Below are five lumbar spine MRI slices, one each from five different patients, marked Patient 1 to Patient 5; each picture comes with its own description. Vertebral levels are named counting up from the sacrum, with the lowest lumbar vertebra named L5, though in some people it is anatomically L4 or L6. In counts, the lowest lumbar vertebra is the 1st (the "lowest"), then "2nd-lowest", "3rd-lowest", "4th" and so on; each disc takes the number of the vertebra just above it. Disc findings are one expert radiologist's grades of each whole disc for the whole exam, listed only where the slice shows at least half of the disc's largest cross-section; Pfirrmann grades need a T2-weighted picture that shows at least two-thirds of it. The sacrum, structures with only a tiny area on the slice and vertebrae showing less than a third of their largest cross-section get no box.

Patient 1 of 5:
Scanner: Philips Medical Systems Ingenia (1.5T) | Slice spacing 4.3 mm | Lumbar spine MR, T2-weighted, sagittal | 619x611 px
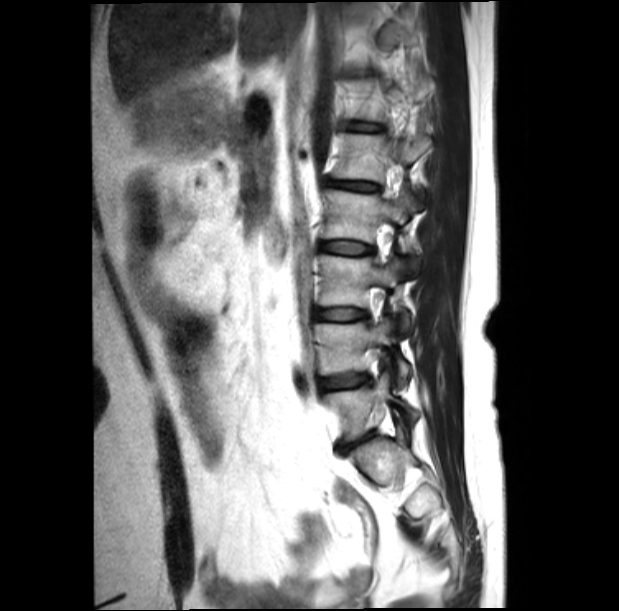

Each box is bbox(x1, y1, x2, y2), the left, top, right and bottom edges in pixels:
L2: bbox(323, 189, 420, 269).
L5 vertebra: bbox(323, 372, 419, 440).
L3: bbox(318, 256, 409, 327).
L1 vertebra: bbox(333, 133, 430, 182).
T12 vertebra: bbox(349, 80, 430, 120).
L3/L4: bbox(316, 309, 364, 320).
IVD L1/L2: bbox(326, 179, 379, 190).
IVD L2/L3: bbox(319, 241, 373, 255).
L4: bbox(314, 319, 409, 384).
IVD L4/L5: bbox(319, 376, 368, 390).
T12/L1: bbox(347, 122, 376, 131).
IVD L5/S1: bbox(339, 433, 374, 449).

Degenerative findings by level:
• L3/L4: Pfirrmann grade 2
• L2/L3: Pfirrmann grade 2
• L4/L5: disc bulging
• L1/L2: Pfirrmann grade 1, disc narrowing, disc bulging

Patient 2 of 5:
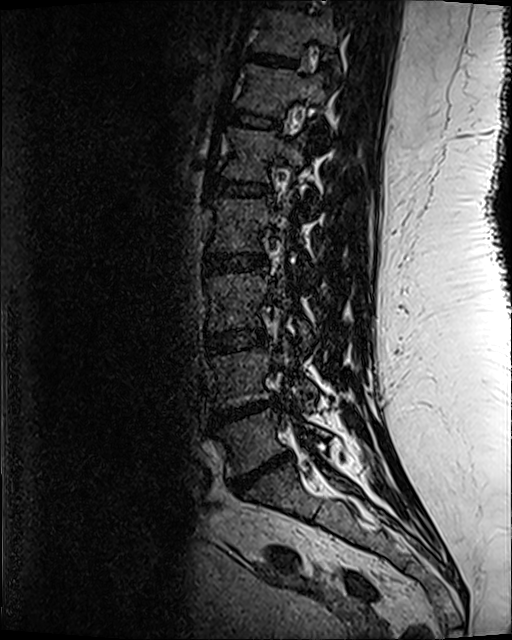 Field of view 240x300 mm, slice spacing 0.9 mm; Patient sex: F; Slice 74/120; T2 SPACE (3D) sagittal MRI of the lumbar spine
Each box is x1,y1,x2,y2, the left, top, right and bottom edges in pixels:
L4/L5 = 214,399,276,422.
Intervertebral disc L1/L2 = 211,178,269,196.
L2/L3 = 204,253,264,272.
T11 = 255,11,338,71.
T12 vertebra = 239,64,327,115.
Intervertebral disc T11/T12 = 249,53,294,64.
L1 = 223,128,305,181.
L2 vertebra = 211,191,291,251.
Intervertebral disc L5/S1 = 227,454,289,493.
L5 vertebra = 220,409,328,475.
L3/L4 = 207,331,267,351.
L4 vertebra = 213,340,316,410.
T10/T11 = 267,0,303,8.
T12/L1 = 226,108,280,128.
L3 vertebra = 208,267,310,346.

Expert MSK radiologist gradings (per disc):
  L3/L4: Pfirrmann grade 3
  T12/L1: Pfirrmann grade 3
  T11/T12: Pfirrmann grade 3, lower-endplate change
  L1/L2: Pfirrmann grade 3, lower-endplate change
  L2/L3: Pfirrmann grade 3, lower-endplate change, upper-endplate change
  L5/S1: Pfirrmann grade 5, upper-endplate change, lower-endplate change, disc narrowing, Modic type II, disc herniation

Patient 3 of 5:
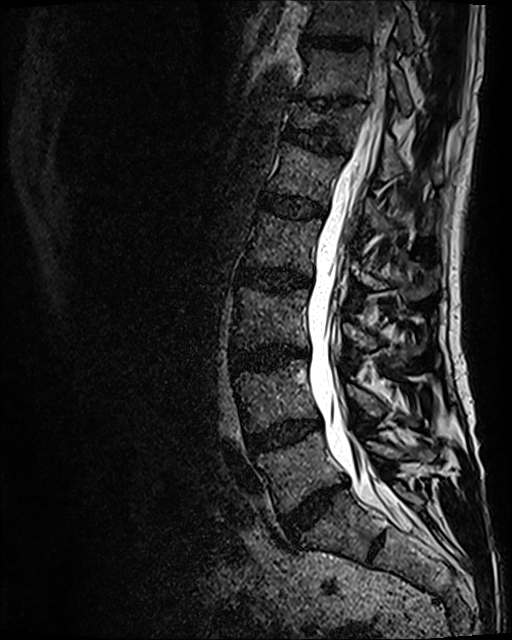 Slice 55/120; MRI lumbar spine (T2 SPACE (3D)), sagittal plane

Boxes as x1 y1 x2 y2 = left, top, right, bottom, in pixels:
{"8th disc": "302 37 360 48", "7th vertebra": "296 46 411 114", "6th vertebra": "289 102 443 181", "lowest vertebra": "257 431 434 513", "3rd-lowest disc": "231 346 307 371", "2nd-lowest vertebra": "235 359 419 432", "5th vertebra": "268 141 436 234", "6th disc": "284 128 347 153", "thecal sac / spinal canal": "307 1 412 528", "8th vertebra": "308 0 415 52", "4th disc": "238 269 311 290", "3rd-lowest vertebra": "233 287 423 354", "lowest disc": "281 484 341 537", "2nd-lowest disc": "247 421 320 449", "5th disc": "261 193 323 218", "7th disc": "316 99 352 108", "4th vertebra": "245 212 438 300"}

Radiological gradings:
• 8th disc: Pfirrmann grade 3
• lowest disc: Pfirrmann grade 4, disc bulging, disc narrowing
• 4th disc: Pfirrmann grade 3, disc bulging, Modic type II
• 2nd-lowest disc: Pfirrmann grade 3, Modic type II, disc bulging
• 6th disc: Pfirrmann grade 3, upper-endplate change, lower-endplate change
• 7th disc: disc narrowing, upper-endplate change, lower-endplate change
• 3rd-lowest disc: Pfirrmann grade 4, disc bulging, Modic type II, disc narrowing
• 5th disc: Pfirrmann grade 3

Patient 4 of 5:
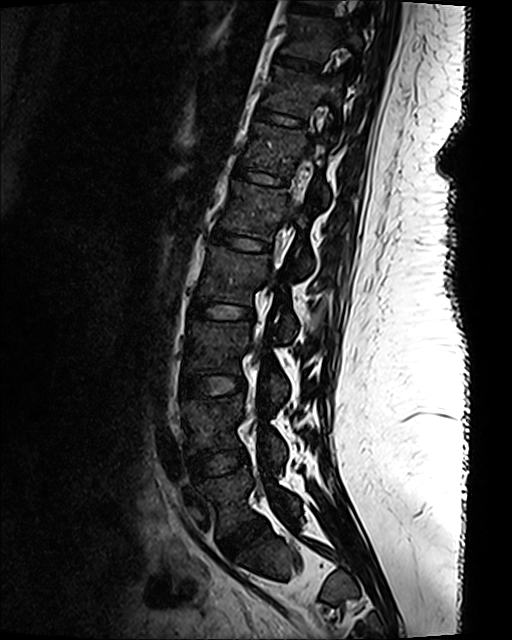 MRI lumbar spine (T2 SPACE (3D)), sagittal plane | Patient sex: F | Sagittal slice index 72
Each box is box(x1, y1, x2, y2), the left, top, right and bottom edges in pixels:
L5/S1: box(221, 517, 265, 557) | L4: box(182, 396, 286, 462) | L2 vertebra: box(197, 246, 296, 341) | L3 vertebra: box(186, 320, 288, 402) | L3/L4: box(182, 374, 245, 396) | T10: box(282, 14, 363, 68) | L1/L2: box(213, 229, 269, 250) | T12 vertebra: box(243, 122, 329, 205) | L5 vertebra: box(195, 464, 299, 534) | T11: box(265, 66, 343, 138) | disc T12/L1: box(236, 166, 286, 185) | T11/T12: box(256, 107, 304, 126) | thecal sac / spinal canal: box(260, 161, 307, 337) | disc T10/T11: box(275, 54, 319, 71) | L4/L5: box(188, 448, 247, 479) | L1 vertebra: box(221, 180, 311, 273) | disc L2/L3: box(191, 298, 252, 319)

Per-level radiological findings:
  L3/L4: Pfirrmann grade 1
  T10/T11: Pfirrmann grade 1
  L1/L2: Pfirrmann grade 1
  T12/L1: Pfirrmann grade 1
  L4/L5: Pfirrmann grade 1
  L2/L3: Pfirrmann grade 1
  T11/T12: Pfirrmann grade 1
  L5/S1: no Modic or endplate change, herniation, narrowing, bulging or spondylolisthesis recorded

Patient 5 of 5:
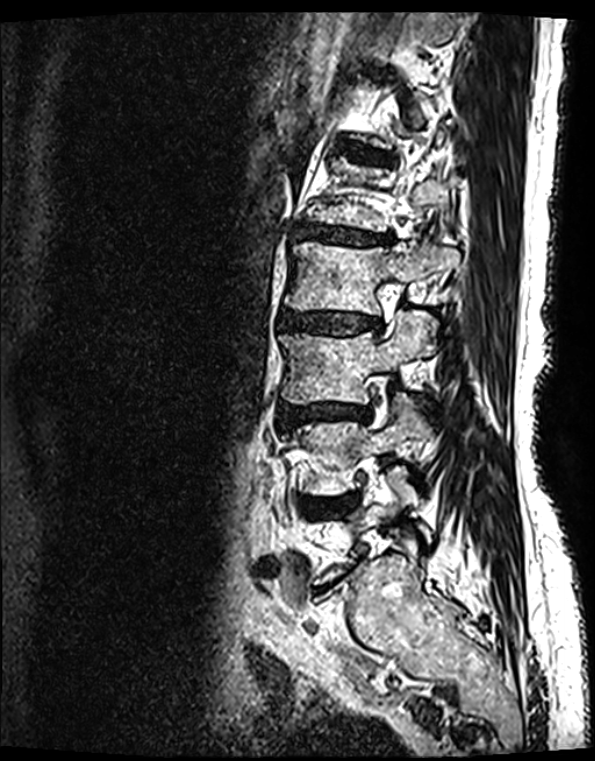
Lumbar spine MR, T2 SPACE (3D), sagittal
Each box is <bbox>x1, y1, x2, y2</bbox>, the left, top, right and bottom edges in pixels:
L4/L5: <bbox>305, 492, 358, 516</bbox>
L2: <bbox>285, 236, 458, 315</bbox>
IVD L2/L3: <bbox>280, 313, 377, 335</bbox>
L3/L4: <bbox>280, 404, 371, 429</bbox>
L1 vertebra: <bbox>307, 163, 461, 232</bbox>
L3: <bbox>280, 310, 433, 403</bbox>
L1/L2: <bbox>296, 227, 387, 244</bbox>
T12/L1: <bbox>345, 150, 379, 160</bbox>
L4: <bbox>283, 393, 423, 495</bbox>

Radiological gradings:
- L1/L2: Pfirrmann grade 4, Modic type II, upper-endplate change, disc narrowing, disc bulging, lower-endplate change
- L3/L4: Pfirrmann grade 4, upper-endplate change, disc narrowing, lower-endplate change, Modic type II, disc bulging
- L2/L3: Pfirrmann grade 4, upper-endplate change, lower-endplate change, disc bulging, Modic type II, disc narrowing